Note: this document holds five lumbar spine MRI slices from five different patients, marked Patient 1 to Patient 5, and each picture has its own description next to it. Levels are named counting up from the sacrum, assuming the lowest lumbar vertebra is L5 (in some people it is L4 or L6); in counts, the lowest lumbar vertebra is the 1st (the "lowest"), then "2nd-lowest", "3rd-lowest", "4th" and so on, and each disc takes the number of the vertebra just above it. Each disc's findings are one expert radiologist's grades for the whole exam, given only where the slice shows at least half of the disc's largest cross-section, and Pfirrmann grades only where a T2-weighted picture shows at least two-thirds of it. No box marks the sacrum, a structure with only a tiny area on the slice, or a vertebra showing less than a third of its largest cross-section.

Patient 1 of 5:
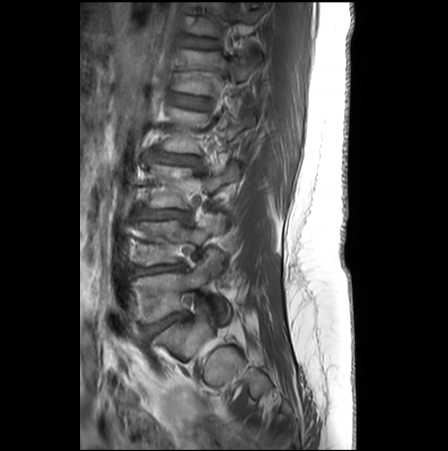 MRI lumbar spine (T1-weighted), sagittal plane; Slice 8 of 27; Patient sex: F
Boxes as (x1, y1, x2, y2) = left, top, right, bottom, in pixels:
{"4th vertebra": "(161, 107, 255, 152)", "5th vertebra": "(176, 51, 257, 95)", "3rd-lowest disc": "(141, 209, 187, 219)", "lowest disc": "(145, 314, 182, 336)", "5th disc": "(172, 94, 209, 108)", "6th vertebra": "(191, 0, 259, 35)", "4th disc": "(155, 152, 196, 165)", "6th disc": "(184, 38, 217, 48)", "3rd-lowest vertebra": "(149, 162, 240, 207)", "2nd-lowest disc": "(135, 263, 182, 274)", "2nd-lowest vertebra": "(136, 214, 225, 265)", "lowest vertebra": "(133, 259, 226, 322)"}

Radiological gradings:
• 4th disc: disc narrowing, disc bulging
• 2nd-lowest disc: disc narrowing, Modic type II, disc bulging, upper-endplate change
• lowest disc: disc bulging, disc narrowing, Modic type II
• 3rd-lowest disc: disc bulging, Modic type II
• 5th disc, 6th disc: no herniation, bulging, narrowing, spondylolisthesis, endplate or Modic change recorded

Patient 2 of 5:
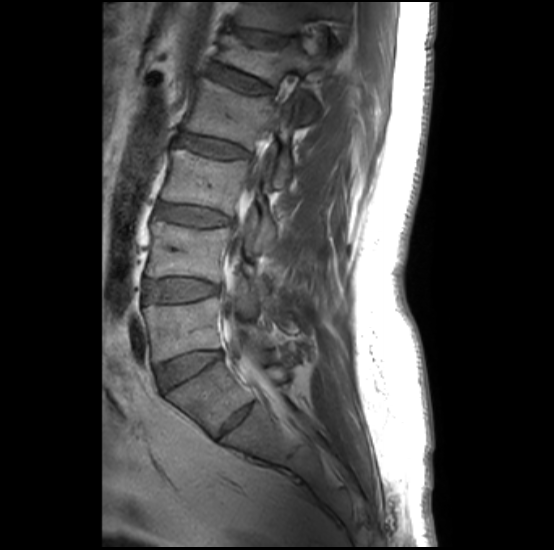
554x550 px; Sagittal T1-weighted lumbar spine MRI

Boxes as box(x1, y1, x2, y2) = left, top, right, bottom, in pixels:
L2/L3: box(175, 134, 247, 158)
L5 vertebra: box(144, 298, 268, 362)
L3: box(162, 149, 276, 249)
L4/L5: box(146, 279, 216, 302)
L3/L4: box(157, 203, 229, 226)
intervertebral disc T12/L1: box(232, 26, 292, 43)
thecal sac / spinal canal: box(220, 128, 271, 396)
L5/S1: box(156, 351, 221, 390)
L2: box(183, 77, 291, 187)
L1/L2: box(211, 64, 271, 94)
L4: box(147, 221, 268, 299)
L1 vertebra: box(219, 36, 328, 119)
T12 vertebra: box(235, 2, 341, 34)

Radiological gradings:
  T12/L1: spondylolisthesis, upper-endplate change
  L1/L2: Modic type II, lower-endplate change, upper-endplate change
  L2/L3: Modic type II, lower-endplate change, upper-endplate change
  L4/L5: Modic type II, upper-endplate change, lower-endplate change
  L3/L4: lower-endplate change, Modic type II, upper-endplate change
  L5/S1: no spondylolisthesis, narrowing, bulging, herniation, Modic or endplate change recorded

Patient 3 of 5:
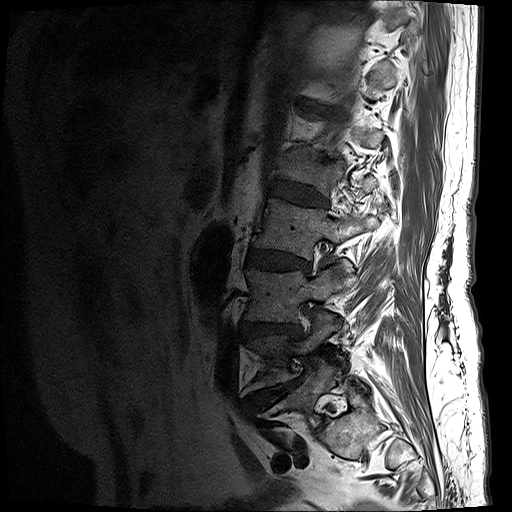

Field of view 300x300 mm | Sex M | MRI lumbar spine (T1-weighted), sagittal plane
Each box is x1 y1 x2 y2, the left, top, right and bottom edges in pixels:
- 3rd-lowest vertebra at 245 262 353 322
- 4th vertebra at 253 198 377 259
- 3rd-lowest disc at 242 322 300 337
- 2nd-lowest disc at 248 378 300 408
- lowest vertebra at 278 360 340 423
- 2nd-lowest vertebra at 245 313 340 392
- 5th disc at 269 179 328 207
- 4th disc at 246 249 310 271

Degenerative findings by level:
• 5th disc: upper-endplate change, lower-endplate change, disc narrowing, disc bulging
• 3rd-lowest disc: disc narrowing, upper-endplate change, disc bulging, lower-endplate change
• 2nd-lowest disc: disc narrowing, lower-endplate change, Modic type II, disc bulging, upper-endplate change, disc herniation
• 4th disc: upper-endplate change, disc narrowing, disc bulging, Modic type II, lower-endplate change

Patient 4 of 5:
Lumbar spine MR, T1-weighted, sagittal. Slice 7/20. Scanner: SIEMENS Avanto_fit (1.5T).

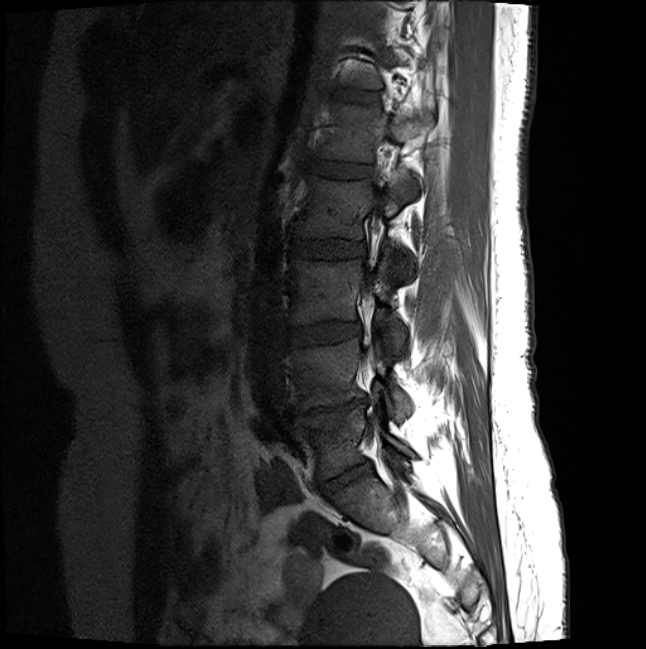 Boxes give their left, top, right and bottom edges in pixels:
L3/L4 = left=289, top=322, right=360, bottom=344.
L4/L5 = left=290, top=398, right=367, bottom=415.
Intervertebral disc L1/L2 = left=306, top=159, right=371, bottom=176.
L2 = left=295, top=173, right=413, bottom=272.
L1 = left=318, top=104, right=432, bottom=161.
L4 vertebra = left=290, top=339, right=411, bottom=419.
T12/L1 = left=335, top=89, right=375, bottom=99.
L5 vertebra = left=295, top=406, right=413, bottom=478.
L3 vertebra = left=291, top=256, right=406, bottom=351.
Intervertebral disc L2/L3 = left=290, top=238, right=363, bottom=256.
Intervertebral disc L5/S1 = left=319, top=463, right=371, bottom=494.

Degenerative findings by level:
- L4/L5: upper-endplate change, Modic type II, disc narrowing, lower-endplate change, disc bulging
- L2/L3, L1/L2, L3/L4: no spondylolisthesis, narrowing, bulging, herniation, Modic or endplate change recorded

Patient 5 of 5:
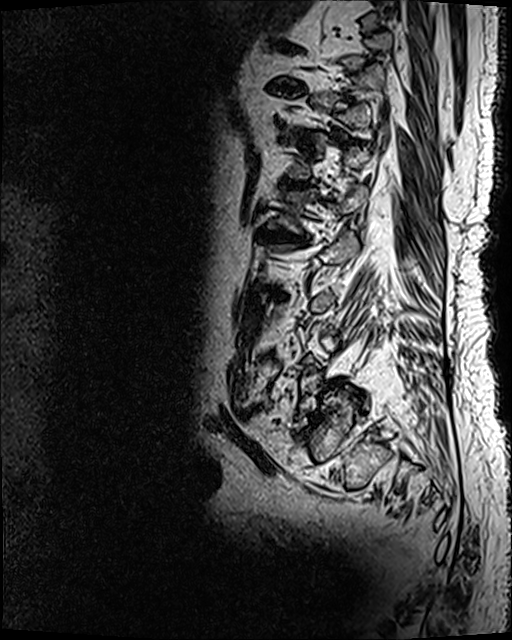

MRI lumbar spine (T2 SPACE (3D)), sagittal plane | Patient sex: M

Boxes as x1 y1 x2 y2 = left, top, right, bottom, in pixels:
{"5th disc": "255 227 303 244", "8th disc": "266 83 304 92", "6th disc": "280 176 310 189", "7th disc": "284 129 309 141", "4th disc": "271 291 286 299", "5th vertebra": "266 183 369 234"}

Degenerative findings by level:
- 5th disc: disc narrowing, lower-endplate change, Modic type II, upper-endplate change, disc bulging